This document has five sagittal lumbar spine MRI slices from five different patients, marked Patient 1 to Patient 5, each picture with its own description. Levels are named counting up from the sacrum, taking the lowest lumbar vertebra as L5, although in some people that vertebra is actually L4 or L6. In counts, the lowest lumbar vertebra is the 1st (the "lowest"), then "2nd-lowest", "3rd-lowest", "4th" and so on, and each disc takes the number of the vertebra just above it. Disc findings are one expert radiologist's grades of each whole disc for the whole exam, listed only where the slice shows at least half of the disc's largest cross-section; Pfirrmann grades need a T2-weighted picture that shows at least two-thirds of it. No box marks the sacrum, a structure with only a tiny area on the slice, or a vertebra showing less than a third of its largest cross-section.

Patient 1 of 5:
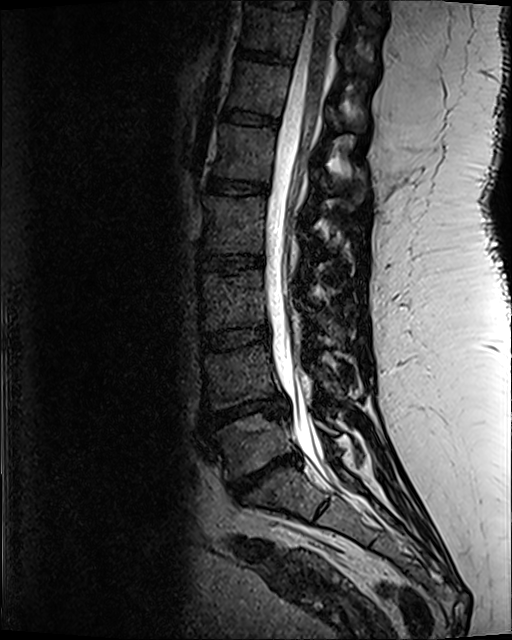

T2 SPACE (3D) sagittal MRI of the lumbar spine | Sex F | Slice spacing 0.9 mm | Slice 58 of 120

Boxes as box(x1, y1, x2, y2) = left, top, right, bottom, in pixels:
L4 vertebra at box(206, 346, 337, 408); spinal canal at box(265, 1, 338, 484); T12 at box(229, 63, 363, 130); L5 vertebra at box(214, 414, 336, 478); IVD L2/L3 at box(198, 255, 263, 272); L1 vertebra at box(213, 124, 365, 202); IVD L3/L4 at box(201, 328, 269, 350); L3 at box(199, 271, 343, 334); IVD L5/S1 at box(230, 452, 300, 499); IVD L1/L2 at box(208, 179, 268, 194); IVD T12/L1 at box(224, 110, 277, 125); T10/T11 at box(254, 0, 306, 6); IVD L4/L5 at box(206, 397, 288, 423); IVD T11/T12 at box(239, 50, 285, 62); T11 vertebra at box(243, 6, 374, 77); L2 at box(204, 197, 324, 256).

Degenerative findings by level:
- L2/L3: Pfirrmann grade 3, upper-endplate change, lower-endplate change
- T12/L1: Pfirrmann grade 3
- L1/L2: Pfirrmann grade 3, lower-endplate change
- L4/L5: Pfirrmann grade 5, upper-endplate change, Modic type II, lower-endplate change, disc herniation, disc narrowing
- T11/T12: lower-endplate change
- L3/L4: Pfirrmann grade 3
- L5/S1: Pfirrmann grade 5, Modic type II, upper-endplate change, disc narrowing, disc herniation, lower-endplate change

Patient 2 of 5:
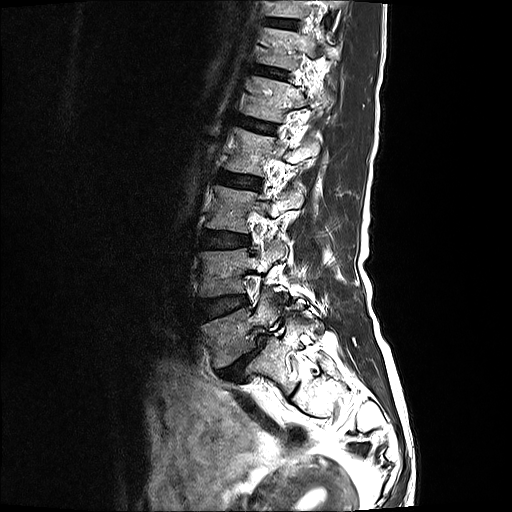 Sagittal T2-weighted lumbar spine MRI

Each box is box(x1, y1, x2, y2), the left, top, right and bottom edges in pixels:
L4: box(201, 244, 287, 296)
T12/L1: box(252, 64, 289, 78)
L2 vertebra: box(225, 127, 321, 174)
T12 vertebra: box(258, 27, 335, 68)
intervertebral disc L2/L3: box(217, 170, 262, 188)
intervertebral disc L4/L5: box(198, 295, 248, 320)
T11 vertebra: box(267, 0, 342, 16)
L1 vertebra: box(244, 76, 334, 121)
L5: box(202, 293, 280, 368)
intervertebral disc L3/L4: box(202, 231, 250, 247)
intervertebral disc L1/L2: box(237, 116, 277, 133)
intervertebral disc L5/S1: box(218, 336, 266, 379)
intervertebral disc T11/T12: box(267, 18, 299, 28)
L3 vertebra: box(208, 185, 305, 233)

Radiological gradings:
- L1/L2: Pfirrmann grade 2
- L4/L5: Pfirrmann grade 2
- L5/S1: disc narrowing, spondylolisthesis, Modic type II, disc bulging
- L3/L4: Pfirrmann grade 2
- T12/L1: Pfirrmann grade 2
- L2/L3: Pfirrmann grade 2
- T11/T12: no herniation, bulging, narrowing, spondylolisthesis, endplate or Modic change recorded

Patient 3 of 5:
T1-weighted sagittal MRI of the lumbar spine. Field of view 300x300 mm. Sex F.

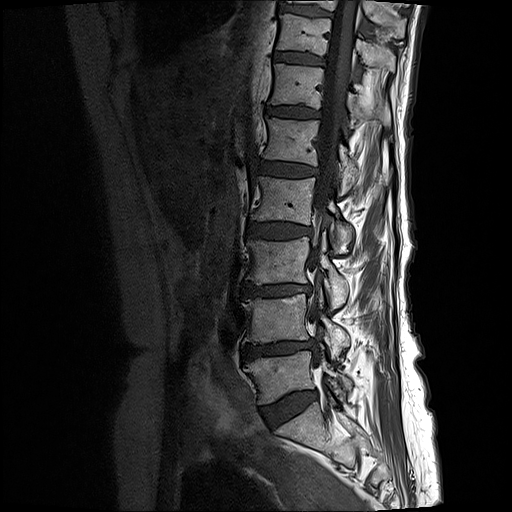
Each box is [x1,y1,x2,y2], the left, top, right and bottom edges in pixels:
L2 vertebra: [252,176,354,252]
IVD T11/T12: [273,51,326,64]
T12 vertebra: [269,64,390,128]
spinal canal: [311,0,358,320]
T10/T11: [282,6,332,16]
IVD T12/L1: [267,106,320,117]
T11: [276,14,394,73]
L4/L5: [243,340,315,360]
L3: [248,233,349,307]
L5/S1: [263,391,317,423]
L1: [265,117,358,193]
L3/L4: [243,283,311,296]
L1/L2: [260,162,317,177]
L5: [246,350,353,404]
L2/L3: [247,222,312,238]
T10: [288,0,406,37]
L4: [243,291,351,357]

Per-level radiological findings:
• T12/L1: lower-endplate change, Modic type II, upper-endplate change
• L4/L5: lower-endplate change, upper-endplate change, Modic type II, disc narrowing, disc bulging
• T10/T11: upper-endplate change, lower-endplate change
• L5/S1: disc bulging
• L3/L4: Modic type II, disc bulging, lower-endplate change, upper-endplate change, disc narrowing
• T11/T12: Modic type II, upper-endplate change, lower-endplate change
• L1/L2: upper-endplate change, Modic type II, lower-endplate change
• L2/L3: disc bulging, Modic type II, upper-endplate change, lower-endplate change

Patient 4 of 5:
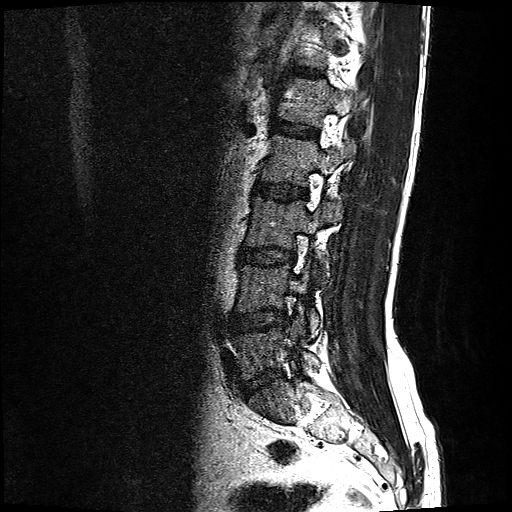
Field of view 300x300 mm, slice spacing 3.3 mm. Sagittal T2-weighted lumbar spine MRI. Sagittal slice index 14. Image 512x512.
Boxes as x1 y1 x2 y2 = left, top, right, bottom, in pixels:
L3 (3rd-lowest vertebra): 245 194 340 278 | L4 (2nd-lowest vertebra): 235 263 319 333 | IVD L4/L5 (2nd-lowest disc): 231 307 289 330 | L5/S1 (lowest disc): 240 367 284 396 | L2/L3 (4th disc): 254 180 307 198 | IVD L1/L2 (5th disc): 272 120 317 136 | L1 (5th vertebra): 278 76 364 124 | T12/L1 (6th disc): 297 67 322 76 | L5 (lowest vertebra): 233 309 320 378 | IVD L3/L4 (3rd-lowest disc): 240 246 296 263 | L2 (4th vertebra): 260 133 356 185

Degenerative findings by level:
  L5/S1 (lowest disc): disc bulging
  L2/L3 (4th disc): Pfirrmann grade 2
  L4/L5 (2nd-lowest disc): Pfirrmann grade 2, disc bulging
  L3/L4 (3rd-lowest disc): Pfirrmann grade 2, disc bulging
  L1/L2 (5th disc): Pfirrmann grade 2

Patient 5 of 5:
MRI lumbar spine (T1-weighted), sagittal plane, Slice spacing 4.4 mm, Patient sex: M

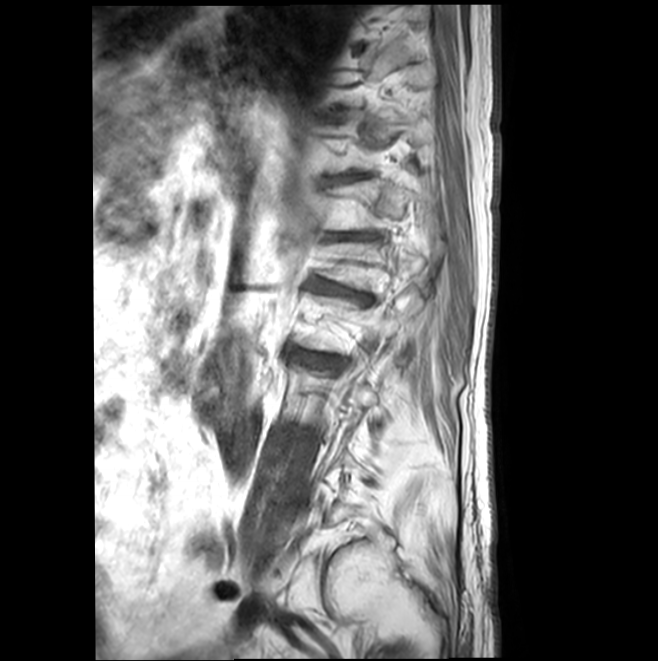 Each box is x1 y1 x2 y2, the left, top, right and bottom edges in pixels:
Annotations:
- intervertebral disc T11/T12: 329 172 361 183
- L2/L3: 307 354 328 364
- L1: 321 242 423 289
- intervertebral disc L1/L2: 314 281 371 300
- T12 vertebra: 322 184 381 229
- T12/L1: 341 233 364 238
- T11 vertebra: 324 117 435 173